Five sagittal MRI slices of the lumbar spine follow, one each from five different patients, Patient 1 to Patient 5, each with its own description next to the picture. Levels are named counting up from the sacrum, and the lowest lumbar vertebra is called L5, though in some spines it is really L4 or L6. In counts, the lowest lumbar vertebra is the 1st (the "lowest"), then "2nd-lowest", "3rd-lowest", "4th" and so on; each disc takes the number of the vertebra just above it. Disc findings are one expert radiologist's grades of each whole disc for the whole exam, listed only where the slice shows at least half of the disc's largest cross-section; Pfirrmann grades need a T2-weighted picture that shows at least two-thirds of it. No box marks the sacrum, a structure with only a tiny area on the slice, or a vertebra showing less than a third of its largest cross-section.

Patient 1 of 5:
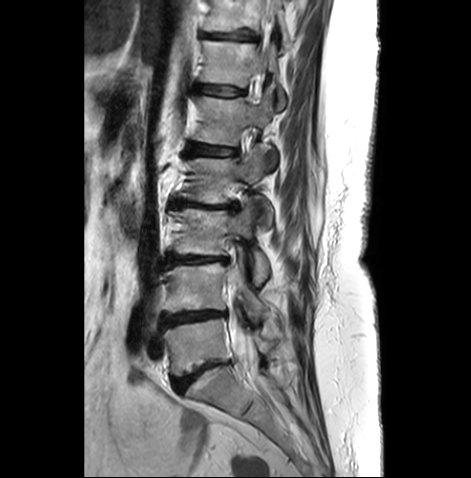 T2-weighted sagittal MRI of the lumbar spine. 471x478 px. Sex F.
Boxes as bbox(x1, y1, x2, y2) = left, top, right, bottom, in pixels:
L5 vertebra: bbox(163, 318, 272, 375)
spinal canal: bbox(228, 0, 274, 378)
L3 vertebra: bbox(171, 198, 269, 284)
disc L1/L2: bbox(188, 144, 234, 155)
L3/L4: bbox(167, 255, 228, 266)
T12 vertebra: bbox(201, 40, 285, 110)
disc T11/T12: bbox(206, 34, 255, 40)
L5/S1: bbox(174, 363, 227, 392)
L1: bbox(194, 88, 276, 169)
disc T12/L1: bbox(200, 85, 242, 96)
disc L4/L5: bbox(163, 310, 225, 326)
disc L2/L3: bbox(171, 201, 238, 211)
L2: bbox(180, 145, 273, 229)
L4 vertebra: bbox(165, 259, 267, 322)
T11: bbox(205, 0, 290, 47)

Degenerative findings by level:
  T12/L1: Pfirrmann grade 3, disc bulging, lower-endplate change, upper-endplate change
  T11/T12: Pfirrmann grade 3, lower-endplate change, disc bulging, upper-endplate change
  L2/L3: lower-endplate change, upper-endplate change, disc bulging, Modic type II, disc narrowing
  L4/L5: Pfirrmann grade 4, Modic type II, disc narrowing, disc bulging, upper-endplate change, lower-endplate change
  L5/S1: Pfirrmann grade 4, Modic type II, disc bulging, disc narrowing
  L1/L2: Pfirrmann grade 3, lower-endplate change, upper-endplate change, disc bulging, Modic type II
  L3/L4: Modic type II, disc narrowing, disc bulging

Patient 2 of 5:
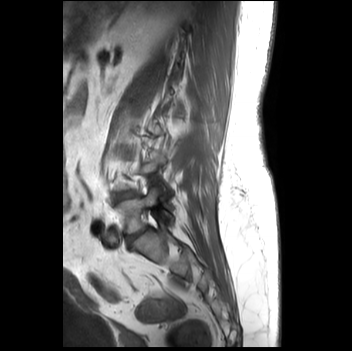 Slice 25/35 | 352x351 px | T1-weighted sagittal MRI of the lumbar spine
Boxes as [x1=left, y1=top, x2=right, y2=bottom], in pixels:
- IVD L5/S1: [x1=125, y1=226, x2=149, y2=244]
- IVD L4/L5: [x1=113, y1=189, x2=137, y2=202]
- L5 vertebra: [x1=115, y1=186, x2=173, y2=234]

Patient 3 of 5:
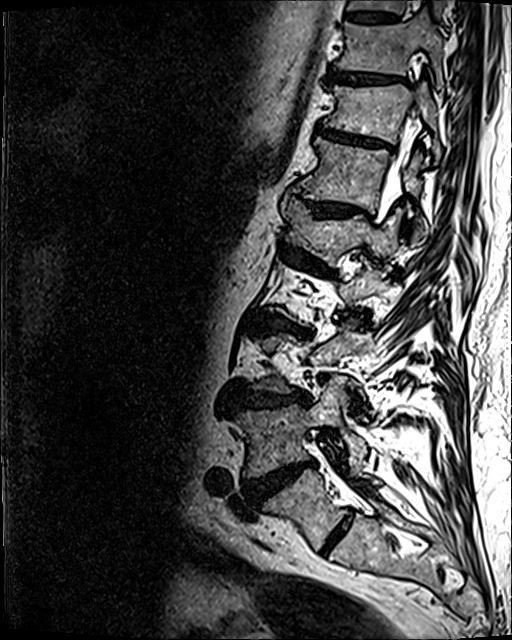
512x640 px | MRI lumbar spine (T2 SPACE (3D)), sagittal plane | Patient sex: M

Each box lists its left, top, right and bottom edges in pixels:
T10 = left=336, top=13, right=443, bottom=87.
T12 vertebra = left=296, top=137, right=427, bottom=234.
L3/L4 = left=237, top=384, right=309, bottom=409.
L5 vertebra = left=263, top=466, right=380, bottom=550.
IVD T11/T12 = left=318, top=127, right=393, bottom=149.
T11 vertebra = left=323, top=82, right=439, bottom=157.
L4 vertebra = left=240, top=377, right=366, bottom=477.
L4/L5 = left=246, top=461, right=313, bottom=500.
L1 vertebra = left=281, top=196, right=402, bottom=257.
L5/S1 = left=322, top=517, right=351, bottom=553.
Spinal canal = left=381, top=117, right=417, bottom=204.
T10/T11 = left=330, top=70, right=403, bottom=84.
L1/L2 = left=289, top=247, right=321, bottom=267.
IVD T12/L1 = left=307, top=202, right=369, bottom=217.
L2/L3 = left=254, top=315, right=304, bottom=334.
T9/T10 = left=346, top=12, right=397, bottom=22.

Per-level radiological findings:
• T9/T10: Pfirrmann grade 3, lower-endplate change
• L4/L5: Pfirrmann grade 5, disc herniation, disc narrowing, lower-endplate change, upper-endplate change, Modic type II, disc bulging
• T11/T12: disc bulging, lower-endplate change, disc narrowing, upper-endplate change
• T12/L1: upper-endplate change, lower-endplate change, disc narrowing, disc bulging
• L3/L4: Pfirrmann grade 4, upper-endplate change, disc narrowing, lower-endplate change, disc bulging
• T10/T11: upper-endplate change, disc bulging, lower-endplate change

Patient 4 of 5:
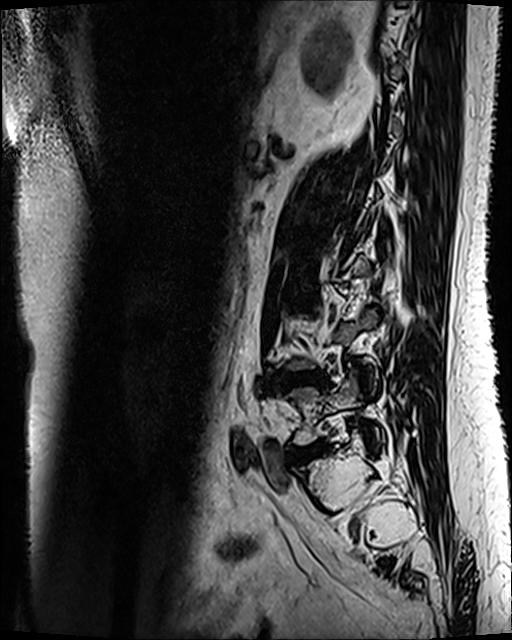

T2 SPACE (3D) sagittal MRI of the lumbar spine, 512x640 px, Patient sex: F
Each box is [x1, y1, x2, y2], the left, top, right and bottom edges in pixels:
{"L4/L5": "[276, 371, 325, 388]", "L5/S1": "[293, 443, 330, 461]", "L5 vertebra": "[284, 373, 381, 444]"}

Patient 5 of 5:
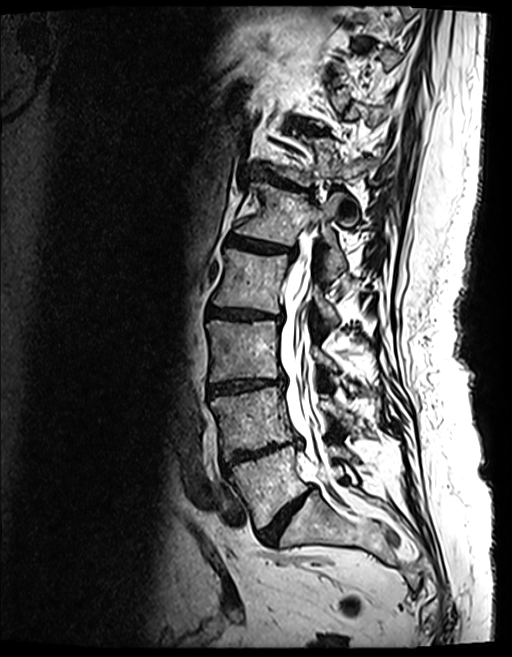 T2 SPACE (3D) sagittal MRI of the lumbar spine, Slice 84 of 154
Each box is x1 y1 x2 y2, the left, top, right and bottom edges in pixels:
4th disc: 208 305 283 321.
Lowest vertebra: 229 445 353 528.
3rd-lowest vertebra: 206 320 338 381.
4th vertebra: 213 249 338 319.
2nd-lowest disc: 223 440 300 471.
Lowest disc: 256 486 312 543.
6th disc: 251 171 312 196.
7th disc: 286 118 319 133.
5th disc: 227 237 294 255.
5th vertebra: 235 182 345 276.
3rd-lowest disc: 209 377 283 394.
Spinal canal: 279 225 338 487.
2nd-lowest vertebra: 210 387 352 457.
6th vertebra: 263 133 365 225.

Radiological gradings:
- 5th disc: Pfirrmann grade 4, lower-endplate change, disc bulging, Modic type II, upper-endplate change, disc narrowing
- 3rd-lowest disc: Pfirrmann grade 4, upper-endplate change, disc narrowing, lower-endplate change, disc bulging, Modic type II
- lowest disc: Pfirrmann grade 4, disc bulging, disc narrowing
- 4th disc: Pfirrmann grade 4, upper-endplate change, Modic type II, disc narrowing, disc bulging, lower-endplate change
- 7th disc: disc narrowing, lower-endplate change, Modic type II, disc bulging, upper-endplate change
- 2nd-lowest disc: Pfirrmann grade 5, disc bulging, Modic type II, lower-endplate change, disc narrowing, upper-endplate change
- 6th disc: Pfirrmann grade 4, disc narrowing, Modic type II, upper-endplate change, disc bulging, lower-endplate change